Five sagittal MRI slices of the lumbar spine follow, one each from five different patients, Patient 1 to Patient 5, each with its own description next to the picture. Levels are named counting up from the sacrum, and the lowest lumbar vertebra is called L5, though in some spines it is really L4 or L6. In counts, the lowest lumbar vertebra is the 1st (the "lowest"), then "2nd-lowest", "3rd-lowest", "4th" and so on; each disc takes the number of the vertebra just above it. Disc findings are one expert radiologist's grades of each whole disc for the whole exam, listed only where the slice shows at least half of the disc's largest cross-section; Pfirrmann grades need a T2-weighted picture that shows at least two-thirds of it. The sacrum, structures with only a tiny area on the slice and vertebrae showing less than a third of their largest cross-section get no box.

Patient 1 of 5:
Slice 10 of 18, Sex M, Lumbar spine MR, T2-weighted, sagittal
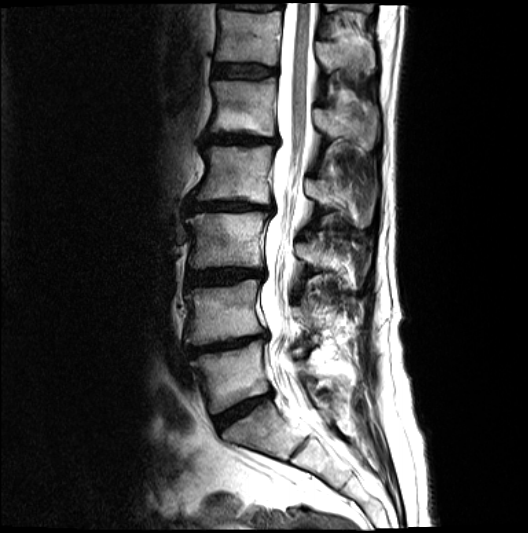
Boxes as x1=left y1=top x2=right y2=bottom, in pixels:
- T12/L1 (6th disc): x1=214 y1=65 x2=277 y2=78
- disc L4/L5 (2nd-lowest disc): x1=188 y1=333 x2=266 y2=355
- L4 (2nd-lowest vertebra): x1=186 y1=279 x2=334 y2=343
- disc L2/L3 (4th disc): x1=188 y1=201 x2=274 y2=214
- disc L5/S1 (lowest disc): x1=216 y1=394 x2=270 y2=429
- L2 (4th vertebra): x1=192 y1=145 x2=372 y2=227
- L5 (lowest vertebra): x1=190 y1=342 x2=326 y2=413
- L1/L2 (5th disc): x1=208 y1=134 x2=279 y2=146
- T12 (6th vertebra): x1=216 y1=9 x2=376 y2=72
- L1 (5th vertebra): x1=209 y1=79 x2=377 y2=149
- L3 (3rd-lowest vertebra): x1=186 y1=214 x2=351 y2=273
- spinal canal: x1=260 y1=3 x2=312 y2=392
- L3/L4 (3rd-lowest disc): x1=188 y1=268 x2=263 y2=285

Expert MSK radiologist gradings (per disc):
• L5/S1 (lowest disc): Pfirrmann grade 4, Modic type II, disc narrowing, disc bulging
• L2/L3 (4th disc): Pfirrmann grade 5, disc narrowing, disc bulging, lower-endplate change, Modic type II, upper-endplate change
• T12/L1 (6th disc): Pfirrmann grade 3
• L1/L2 (5th disc): Pfirrmann grade 5, upper-endplate change, Modic type II, disc bulging, disc narrowing, lower-endplate change
• L4/L5 (2nd-lowest disc): Pfirrmann grade 5, disc narrowing, Modic type II, disc bulging, lower-endplate change, upper-endplate change
• L3/L4 (3rd-lowest disc): Pfirrmann grade 4, disc bulging, Modic type II, disc narrowing

Patient 2 of 5:
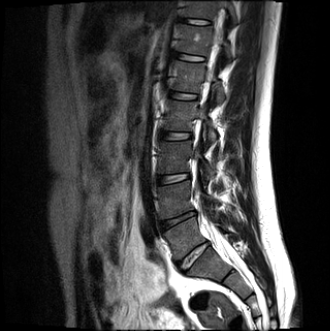 Slice 4/14 | T2-weighted sagittal MRI of the lumbar spine
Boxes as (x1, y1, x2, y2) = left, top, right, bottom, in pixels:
spinal canal = (195, 191, 222, 242) | L2/L3 = (160, 131, 191, 139) | disc T12/L1 = (174, 52, 202, 61) | disc L3/L4 = (157, 173, 189, 184) | L5 vertebra = (164, 217, 227, 258) | L1 = (171, 60, 224, 103) | L3 = (158, 141, 215, 177) | T12 = (177, 24, 230, 60) | L2 vertebra = (162, 99, 216, 142) | T11 = (182, 0, 236, 24) | disc T11/T12 = (182, 19, 209, 24) | L4 vertebra = (158, 180, 217, 218) | L1/L2 = (169, 91, 196, 99) | disc L4/L5 = (161, 211, 196, 230) | L5/S1 = (178, 242, 209, 270)

Radiological gradings:
- T11/T12: Pfirrmann grade 2
- L2/L3: Pfirrmann grade 2
- L3/L4: Pfirrmann grade 2
- L1/L2: Pfirrmann grade 2
- L4/L5: Pfirrmann grade 4, upper-endplate change, Modic type II, disc herniation, disc narrowing, lower-endplate change
- L5/S1: Pfirrmann grade 2, disc bulging
- T12/L1: Pfirrmann grade 2

Patient 3 of 5:
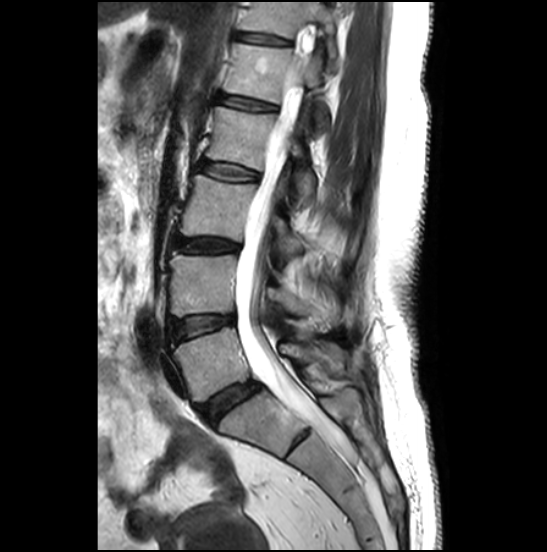 Slice 13/27. Lumbar spine MR, T2-weighted, sagittal.
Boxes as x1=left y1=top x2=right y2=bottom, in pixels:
lowest disc: x1=198 y1=381 x2=260 y2=424
6th vertebra: x1=241 y1=2 x2=336 y2=58
2nd-lowest disc: x1=169 y1=315 x2=234 y2=341
4th disc: x1=198 y1=162 x2=257 y2=181
4th vertebra: x1=206 y1=107 x2=314 y2=208
3rd-lowest vertebra: x1=180 y1=175 x2=304 y2=254
5th disc: x1=219 y1=95 x2=275 y2=110
spinal canal: x1=236 y1=63 x2=319 y2=422
6th disc: x1=237 y1=33 x2=286 y2=44
2nd-lowest vertebra: x1=169 y1=252 x2=339 y2=330
lowest vertebra: x1=173 y1=327 x2=343 y2=401
5th vertebra: x1=224 y1=44 x2=329 y2=133
3rd-lowest disc: x1=175 y1=238 x2=237 y2=251

Degenerative findings by level:
• 3rd-lowest disc: Pfirrmann grade 4, disc bulging
• 2nd-lowest disc: Pfirrmann grade 3, disc bulging
• 5th disc: Pfirrmann grade 2, upper-endplate change
• lowest disc: Pfirrmann grade 4, disc bulging
• 6th disc: Pfirrmann grade 2, upper-endplate change, lower-endplate change
• 4th disc: Pfirrmann grade 2

Patient 4 of 5:
Image 559x578; Philips Healthcare Ingenia (3T); Lumbar spine MR, T2-weighted, sagittal 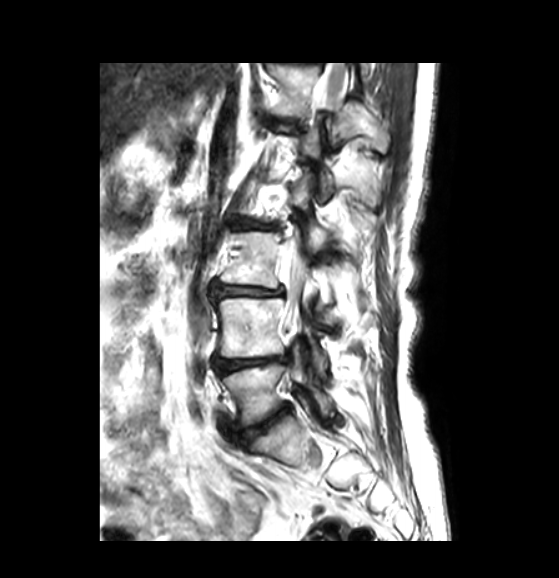
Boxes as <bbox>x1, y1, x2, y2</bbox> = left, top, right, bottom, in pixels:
L3: <bbox>221, 231, 352, 323</bbox> | intervertebral disc T11/T12: <bbox>280, 57, 317, 63</bbox> | intervertebral disc L4/L5: <bbox>215, 354, 287, 372</bbox> | intervertebral disc T12/L1: <bbox>268, 117, 299, 126</bbox> | thecal sac / spinal canal: <bbox>283, 72, 346, 332</bbox> | T12 vertebra: <bbox>266, 63, 389, 150</bbox> | intervertebral disc L2/L3: <bbox>235, 220, 274, 230</bbox> | L4 vertebra: <bbox>217, 297, 327, 376</bbox> | intervertebral disc L3/L4: <bbox>217, 284, 280, 296</bbox> | L5/S1: <bbox>240, 407, 289, 443</bbox> | L5 vertebra: <bbox>223, 360, 331, 424</bbox>

Per-level radiological findings:
• L4/L5: Pfirrmann grade 3, disc bulging
• L5/S1: disc narrowing, disc bulging
• L3/L4: Pfirrmann grade 3, disc bulging, disc narrowing

Patient 5 of 5:
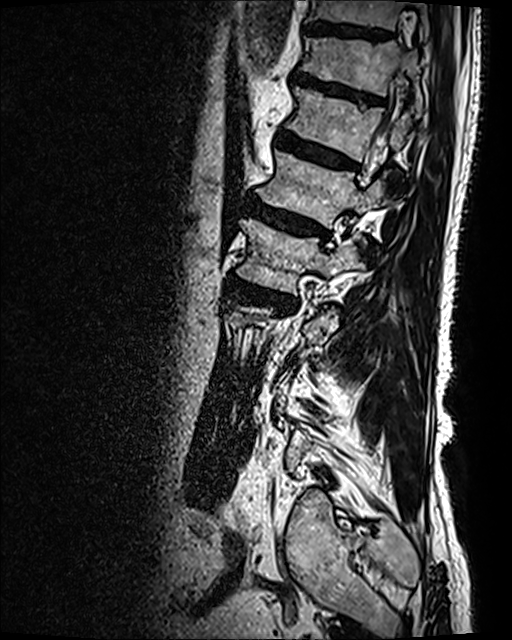 Sagittal T2 SPACE (3D) lumbar spine MRI, Slice spacing 0.9 mm, Slice 99 of 120

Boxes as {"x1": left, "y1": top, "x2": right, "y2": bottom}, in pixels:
L1 (5th vertebra) — {"x1": 257, "y1": 151, "x2": 383, "y2": 228} | IVD T10/T11 (8th disc) — {"x1": 306, "y1": 22, "x2": 391, "y2": 41} | L1/L2 (5th disc) — {"x1": 248, "y1": 199, "x2": 329, "y2": 238} | T11/T12 (7th disc) — {"x1": 292, "y1": 69, "x2": 384, "y2": 103} | T10 (8th vertebra) — {"x1": 307, "y1": 0, "x2": 429, "y2": 42} | IVD T12/L1 (6th disc) — {"x1": 275, "y1": 129, "x2": 358, "y2": 171} | L2 (4th vertebra) — {"x1": 236, "y1": 219, "x2": 363, "y2": 294} | T11 (7th vertebra) — {"x1": 301, "y1": 38, "x2": 422, "y2": 111} | T12 (6th vertebra) — {"x1": 287, "y1": 87, "x2": 410, "y2": 160} | L2/L3 (4th disc) — {"x1": 227, "y1": 274, "x2": 295, "y2": 310}

Degenerative findings by level:
  L1/L2 (5th disc): Pfirrmann grade 4, disc bulging, Modic type II, upper-endplate change, lower-endplate change
  T10/T11 (8th disc): Pfirrmann grade 3
  T11/T12 (7th disc): Pfirrmann grade 4, lower-endplate change, disc bulging, upper-endplate change
  T12/L1 (6th disc): Pfirrmann grade 4, lower-endplate change, upper-endplate change, Modic type II, disc bulging
  L2/L3 (4th disc): Pfirrmann grade 4, disc narrowing, Modic type I, lower-endplate change, disc bulging, upper-endplate change